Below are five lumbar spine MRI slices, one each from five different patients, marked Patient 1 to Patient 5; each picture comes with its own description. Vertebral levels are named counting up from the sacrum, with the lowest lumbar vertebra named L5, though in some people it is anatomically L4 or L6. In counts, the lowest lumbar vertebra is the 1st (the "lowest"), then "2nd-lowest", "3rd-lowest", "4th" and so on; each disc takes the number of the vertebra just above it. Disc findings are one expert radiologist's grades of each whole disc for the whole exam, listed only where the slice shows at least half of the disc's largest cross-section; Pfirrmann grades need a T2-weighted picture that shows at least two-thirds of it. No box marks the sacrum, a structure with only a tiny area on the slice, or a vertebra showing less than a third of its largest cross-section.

Patient 1 of 5:
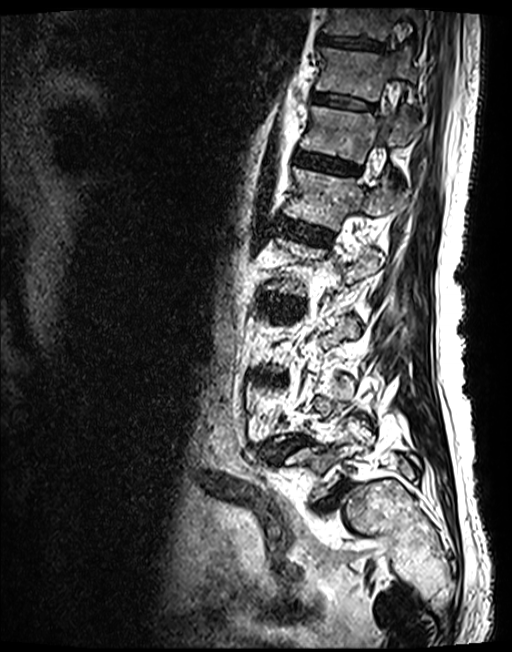 Sagittal T2 SPACE (3D) lumbar spine MRI | Slice 47/143
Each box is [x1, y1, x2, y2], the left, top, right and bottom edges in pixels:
Annotations:
* 5th vertebra: [284, 167, 394, 229]
* 6th disc: [293, 151, 359, 174]
* 4th disc: [259, 293, 302, 313]
* lowest vertebra: [283, 421, 418, 498]
* 8th disc: [317, 34, 385, 50]
* 7th vertebra: [315, 47, 418, 118]
* 2nd-lowest disc: [284, 438, 301, 448]
* 4th vertebra: [264, 237, 382, 295]
* 6th vertebra: [300, 105, 409, 163]
* 7th disc: [311, 92, 373, 109]
* 5th disc: [279, 220, 332, 244]
* lowest disc: [333, 485, 342, 492]
* 8th vertebra: [321, 8, 422, 44]

Radiological gradings:
  5th disc: Pfirrmann grade 3
  6th disc: Pfirrmann grade 3
  7th disc: Pfirrmann grade 3
  4th disc: disc bulging
  8th disc: Pfirrmann grade 3

Patient 2 of 5:
Lumbar spine MR, T2 SPACE (3D), sagittal, Slice 48/120
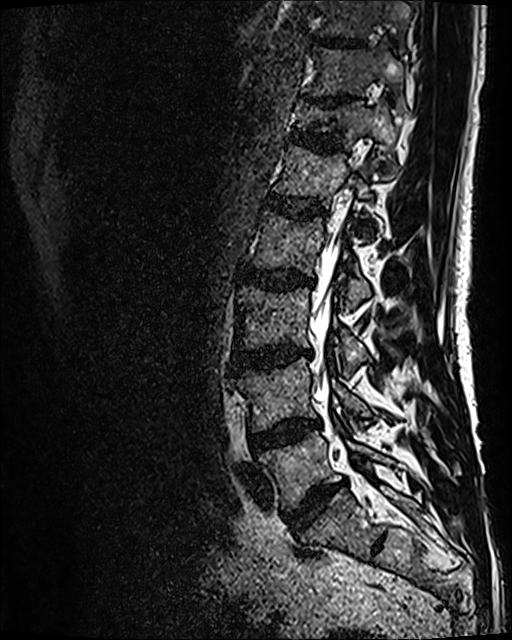 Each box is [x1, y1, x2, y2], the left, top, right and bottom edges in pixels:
7th vertebra = [305, 47, 407, 113].
2nd-lowest vertebra = [232, 358, 370, 431].
5th vertebra = [273, 144, 375, 239].
Lowest disc = [285, 485, 337, 533].
Lowest vertebra = [258, 431, 388, 510].
6th disc = [288, 129, 341, 151].
4th vertebra = [253, 211, 371, 304].
8th disc = [316, 39, 361, 45].
2nd-lowest disc = [249, 419, 319, 450].
5th disc = [265, 194, 325, 218].
6th vertebra = [295, 99, 398, 177].
8th vertebra = [319, 0, 410, 51].
Thecal sac / spinal canal = [309, 164, 360, 445].
3rd-lowest disc = [231, 345, 311, 372].
3rd-lowest vertebra = [237, 287, 367, 371].
4th disc = [241, 269, 313, 289].
7th disc = [312, 97, 347, 105].

Radiological gradings:
• lowest disc: Pfirrmann grade 4, disc narrowing, disc bulging
• 4th disc: Pfirrmann grade 3, Modic type II, disc bulging
• 5th disc: Pfirrmann grade 3
• 2nd-lowest disc: Pfirrmann grade 3, Modic type II, disc bulging
• 3rd-lowest disc: Pfirrmann grade 4, disc bulging, disc narrowing, Modic type II
• 7th disc: lower-endplate change, upper-endplate change, disc narrowing

Patient 3 of 5:
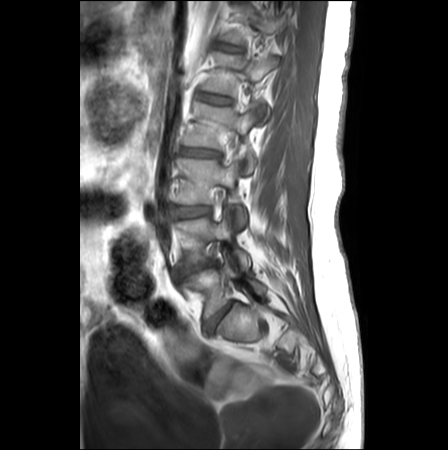 448x450 px, Sagittal slice index 8, MRI lumbar spine (T1-weighted), sagittal plane, Sex F
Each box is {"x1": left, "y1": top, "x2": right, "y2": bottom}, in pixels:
L2: {"x1": 183, "y1": 102, "x2": 255, "y2": 173}.
L5 vertebra: {"x1": 184, "y1": 256, "x2": 266, "y2": 316}.
T12: {"x1": 221, "y1": 5, "x2": 284, "y2": 45}.
Disc L2/L3: {"x1": 181, "y1": 148, "x2": 219, "y2": 157}.
T12/L1: {"x1": 215, "y1": 43, "x2": 241, "y2": 51}.
L5/S1: {"x1": 205, "y1": 301, "x2": 234, "y2": 333}.
L4 vertebra: {"x1": 176, "y1": 211, "x2": 250, "y2": 269}.
L4/L5: {"x1": 178, "y1": 263, "x2": 213, "y2": 276}.
L3 vertebra: {"x1": 176, "y1": 158, "x2": 246, "y2": 229}.
Disc L1/L2: {"x1": 199, "y1": 92, "x2": 231, "y2": 104}.
L1: {"x1": 201, "y1": 52, "x2": 278, "y2": 124}.
L3/L4: {"x1": 171, "y1": 206, "x2": 209, "y2": 217}.

Expert MSK radiologist gradings (per disc):
  L3/L4: disc bulging
  L2/L3: disc bulging
  L1/L2, T12/L1, L5/S1: no herniation, bulging, narrowing, spondylolisthesis, endplate or Modic change recorded

Patient 4 of 5:
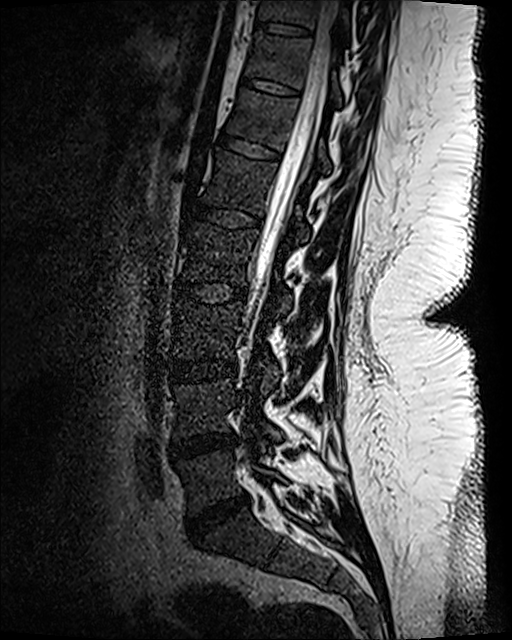
MRI lumbar spine (T2 SPACE (3D)), sagittal plane. Slice 66/120. Field of view 240x300 mm, slice spacing 0.9 mm.
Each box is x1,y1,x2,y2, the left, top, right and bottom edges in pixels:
Disc L2/L3: 174,280,246,303.
L2: 182,220,291,312.
T10 vertebra: 257,0,350,34.
Disc L5/S1: 187,495,247,536.
Disc L4/L5: 171,433,233,461.
L1: 203,149,309,243.
T11/T12: 241,78,300,96.
Disc L1/L2: 184,201,263,229.
L3/L4: 169,358,236,384.
T11 vertebra: 246,32,341,105.
Thecal sac / spinal canal: 248,0,339,337.
Disc T10/T11: 255,22,311,36.
T12 vertebra: 227,88,330,172.
Disc T12/L1: 216,130,282,161.
L4: 175,379,281,451.
L5 vertebra: 178,450,284,514.
L3: 174,302,280,392.

Radiological gradings:
• T11/T12: Pfirrmann grade 1
• L1/L2: Pfirrmann grade 1
• L2/L3: Pfirrmann grade 1
• L3/L4: Pfirrmann grade 1
• T12/L1: Pfirrmann grade 1
• L4/L5: Pfirrmann grade 3, disc bulging, disc narrowing
• T10/T11: Pfirrmann grade 1
• L5/S1: Pfirrmann grade 4, disc narrowing, disc bulging

Patient 5 of 5:
T2-weighted sagittal MRI of the lumbar spine | Slice 13 of 25 | Philips Healthcare Ingenia (3T) | Image 477x478 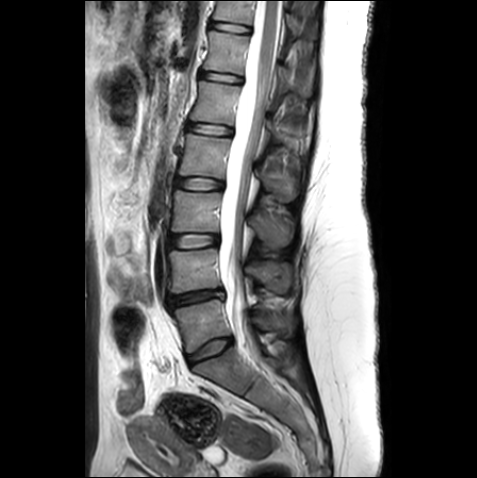 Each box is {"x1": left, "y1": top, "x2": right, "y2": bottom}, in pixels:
L3 (3rd-lowest vertebra) = {"x1": 172, "y1": 190, "x2": 292, "y2": 248} | thecal sac / spinal canal = {"x1": 219, "y1": 1, "x2": 281, "y2": 358} | L2 (4th vertebra) = {"x1": 179, "y1": 133, "x2": 297, "y2": 201} | T11 (7th vertebra) = {"x1": 214, "y1": 1, "x2": 299, "y2": 35} | T12 (6th vertebra) = {"x1": 204, "y1": 31, "x2": 314, "y2": 96} | L1 (5th vertebra) = {"x1": 190, "y1": 81, "x2": 298, "y2": 143} | L2/L3 (4th disc) = {"x1": 177, "y1": 178, "x2": 222, "y2": 189} | L4 (2nd-lowest vertebra) = {"x1": 169, "y1": 248, "x2": 291, "y2": 293} | T12/L1 (6th disc) = {"x1": 201, "y1": 71, "x2": 242, "y2": 82} | L4/L5 (2nd-lowest disc) = {"x1": 168, "y1": 289, "x2": 225, "y2": 305} | L5/S1 (lowest disc) = {"x1": 186, "y1": 337, "x2": 232, "y2": 365} | L5 (lowest vertebra) = {"x1": 173, "y1": 299, "x2": 291, "y2": 352} | L1/L2 (5th disc) = {"x1": 187, "y1": 123, "x2": 231, "y2": 134} | T11/T12 (7th disc) = {"x1": 212, "y1": 21, "x2": 249, "y2": 32} | disc L3/L4 (3rd-lowest disc) = {"x1": 168, "y1": 234, "x2": 218, "y2": 247}

Expert MSK radiologist gradings (per disc):
  L4/L5 (2nd-lowest disc): Pfirrmann grade 3, disc narrowing, disc bulging
  L5/S1 (lowest disc): Pfirrmann grade 1
  L3/L4 (3rd-lowest disc): Pfirrmann grade 1
  L2/L3 (4th disc): Pfirrmann grade 1
  T11/T12 (7th disc): Pfirrmann grade 1
  L1/L2 (5th disc): Pfirrmann grade 1
  T12/L1 (6th disc): Pfirrmann grade 1